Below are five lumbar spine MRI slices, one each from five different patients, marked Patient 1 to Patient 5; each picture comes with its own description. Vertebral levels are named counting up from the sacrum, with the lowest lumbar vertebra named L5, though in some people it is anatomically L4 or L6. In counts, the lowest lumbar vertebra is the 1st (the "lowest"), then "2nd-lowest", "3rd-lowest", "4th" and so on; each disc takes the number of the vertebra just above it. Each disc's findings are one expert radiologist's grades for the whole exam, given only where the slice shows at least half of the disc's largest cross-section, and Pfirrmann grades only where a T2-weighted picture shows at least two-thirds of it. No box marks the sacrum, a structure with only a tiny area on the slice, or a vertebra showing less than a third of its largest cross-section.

Patient 1 of 5:
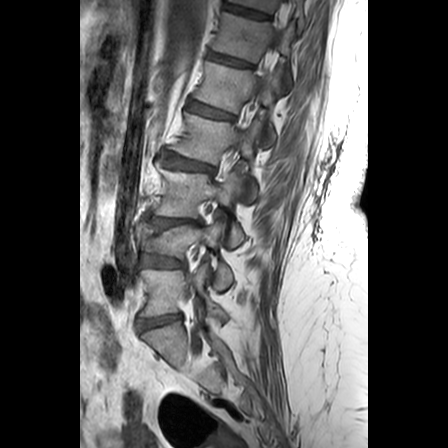 Sex F, MRI lumbar spine (T1-weighted), sagittal plane, Field of view 280x280 mm, slice spacing 3.3 mm
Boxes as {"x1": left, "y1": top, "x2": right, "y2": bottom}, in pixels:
{"L2 vertebra": {"x1": 170, "y1": 112, "x2": 261, "y2": 199}, "L1 vertebra": {"x1": 195, "y1": 62, "x2": 281, "y2": 143}, "T11/T12": {"x1": 225, "y1": 3, "x2": 270, "y2": 19}, "spinal canal": {"x1": 256, "y1": 0, "x2": 292, "y2": 102}, "T11 vertebra": {"x1": 230, "y1": 0, "x2": 306, "y2": 29}, "L3/L4": {"x1": 148, "y1": 217, "x2": 200, "y2": 227}, "T12 vertebra": {"x1": 213, "y1": 12, "x2": 294, "y2": 62}, "L5/S1": {"x1": 138, "y1": 314, "x2": 181, "y2": 330}, "L3": {"x1": 156, "y1": 164, "x2": 244, "y2": 247}, "L4/L5": {"x1": 139, "y1": 253, "x2": 184, "y2": 267}, "L5": {"x1": 140, "y1": 266, "x2": 226, "y2": 324}, "L2/L3": {"x1": 159, "y1": 152, "x2": 214, "y2": 172}, "L4 vertebra": {"x1": 138, "y1": 221, "x2": 232, "y2": 289}, "L1/L2": {"x1": 188, "y1": 101, "x2": 234, "y2": 119}, "disc T12/L1": {"x1": 208, "y1": 52, "x2": 252, "y2": 67}}

Degenerative findings by level:
- L1/L2: upper-endplate change
- L2/L3: lower-endplate change, upper-endplate change
- T12/L1: upper-endplate change, lower-endplate change
- T11/T12: lower-endplate change
- L4/L5: lower-endplate change, disc bulging
- L5/S1: disc bulging

Patient 2 of 5:
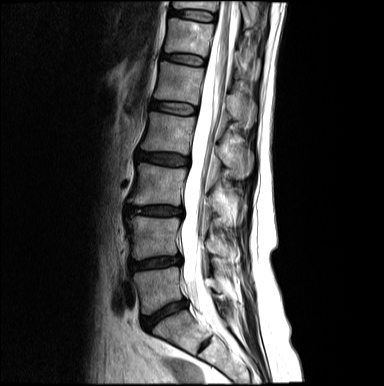 Sagittal T2-weighted lumbar spine MRI, Slice spacing 5.1 mm
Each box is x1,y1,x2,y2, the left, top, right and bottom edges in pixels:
Lowest disc at 142,300,186,328; 2nd-lowest vertebra at 127,216,220,259; 5th disc at 151,101,196,115; 7th vertebra at 173,1,253,25; 2nd-lowest disc at 130,255,181,269; 3rd-lowest disc at 126,205,183,216; 3rd-lowest vertebra at 130,164,220,214; 4th vertebra at 141,112,253,178; 4th disc at 137,151,189,165; 7th disc at 169,9,215,21; 5th vertebra at 154,62,255,128; thecal sac / spinal canal at 180,1,238,326; 6th vertebra at 165,18,242,76; lowest vertebra at 133,267,219,314; 6th disc at 161,54,205,64.

Radiological gradings:
- lowest disc: Pfirrmann grade 4, disc narrowing, disc bulging
- 7th disc: Pfirrmann grade 2
- 6th disc: Pfirrmann grade 2
- 4th disc: Pfirrmann grade 3, disc bulging
- 5th disc: Pfirrmann grade 2
- 3rd-lowest disc: Pfirrmann grade 4, disc narrowing, upper-endplate change, disc bulging, lower-endplate change
- 2nd-lowest disc: Pfirrmann grade 4, disc herniation, disc narrowing, disc bulging

Patient 3 of 5:
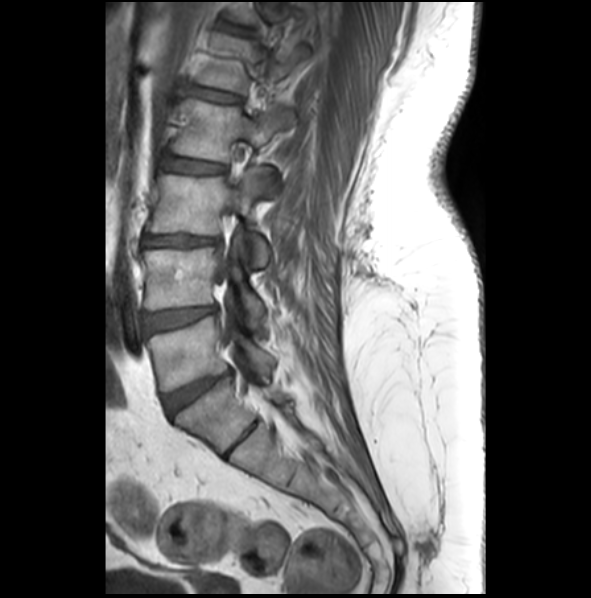 Sex F. Slice 11 of 28. Sagittal T1-weighted lumbar spine MRI.
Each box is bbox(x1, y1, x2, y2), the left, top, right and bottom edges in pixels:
Annotations:
- L5 (lowest vertebra) at bbox(148, 317, 274, 391)
- L5/S1 (lowest disc) at bbox(164, 369, 233, 415)
- thecal sac / spinal canal at bbox(214, 200, 235, 344)
- L1/L2 (5th disc) at bbox(187, 85, 239, 102)
- intervertebral disc L4/L5 (2nd-lowest disc) at bbox(143, 306, 214, 332)
- intervertebral disc L3/L4 (3rd-lowest disc) at bbox(143, 234, 217, 245)
- L2/L3 (4th disc) at bbox(162, 156, 223, 173)
- L4 (2nd-lowest vertebra) at bbox(143, 235, 264, 327)
- L3 (3rd-lowest vertebra) at bbox(148, 172, 268, 265)
- L2 (4th vertebra) at bbox(172, 99, 293, 197)
- L1 (5th vertebra) at bbox(197, 33, 310, 91)

Degenerative findings by level:
- L3/L4 (3rd-lowest disc): disc narrowing, Modic type II, disc bulging, upper-endplate change, lower-endplate change
- L4/L5 (2nd-lowest disc): disc bulging
- L5/S1 (lowest disc): upper-endplate change, lower-endplate change, disc bulging
- L1/L2 (5th disc), L2/L3 (4th disc): no herniation, bulging, narrowing, spondylolisthesis, endplate or Modic change recorded

Patient 4 of 5:
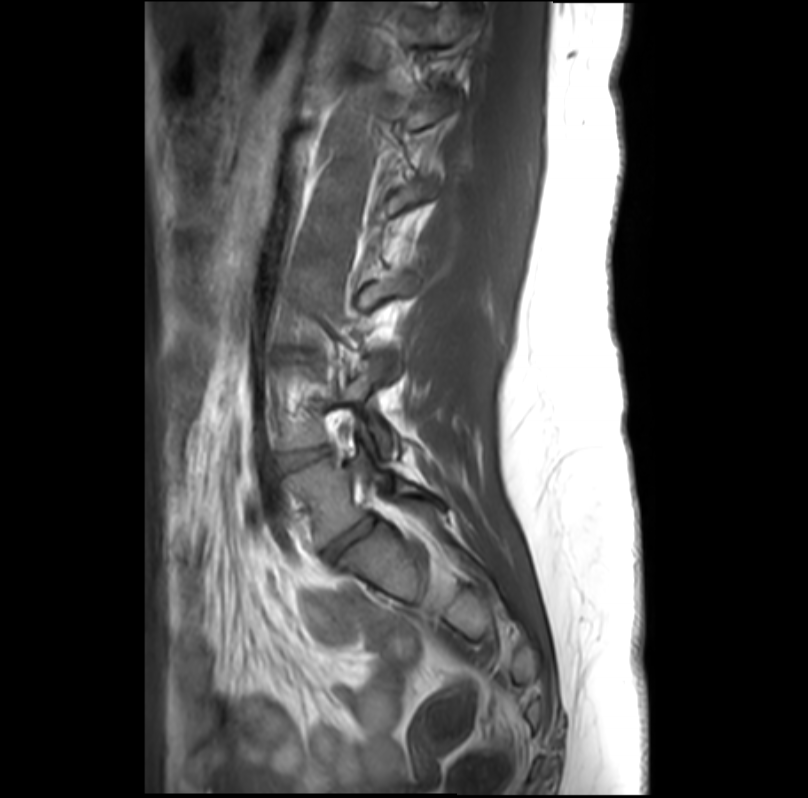
Patient sex: F; Sagittal slice index 11; MRI lumbar spine (T1-weighted), sagittal plane

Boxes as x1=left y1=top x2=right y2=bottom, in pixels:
L5 (lowest vertebra): x1=288 y1=451 x2=447 y2=546 | intervertebral disc L4/L5 (2nd-lowest disc): x1=282 y1=448 x2=329 y2=469 | L5/S1 (lowest disc): x1=330 y1=518 x2=377 y2=555

Per-level radiological findings:
• L5/S1 (lowest disc): disc narrowing

Patient 5 of 5:
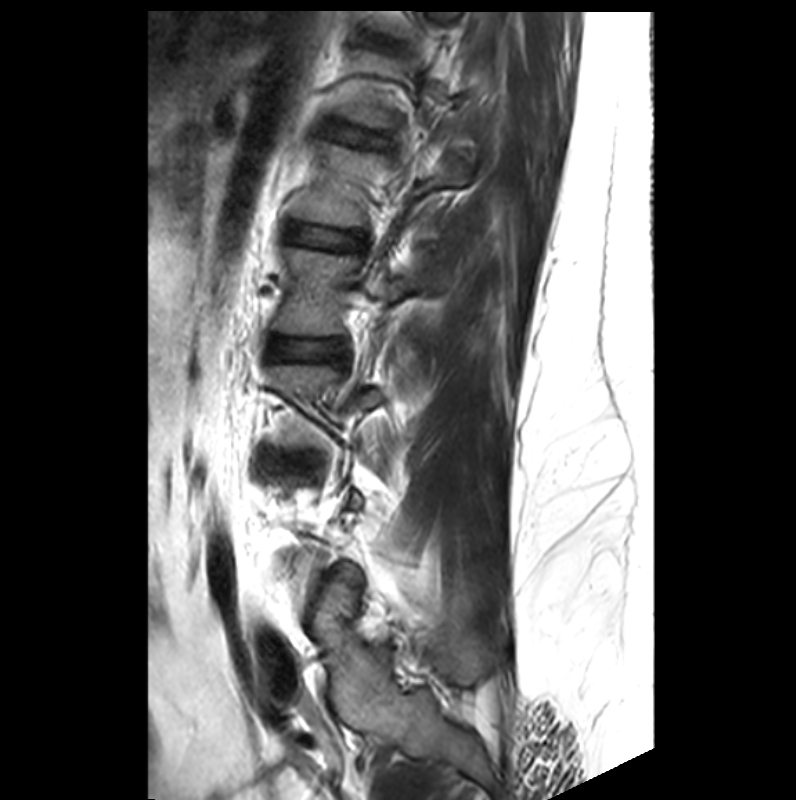 Sex M; T2-weighted sagittal MRI of the lumbar spine; Slice 25/33
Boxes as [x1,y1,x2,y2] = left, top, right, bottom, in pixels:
L1 — [293,143,468,228].
L2 vertebra — [274,247,428,336].
L1/L2 — [286,224,359,248].
T12/L1 — [334,128,375,144].
IVD L2/L3 — [275,340,344,355].

Per-level radiological findings:
  L1/L2: lower-endplate change, upper-endplate change